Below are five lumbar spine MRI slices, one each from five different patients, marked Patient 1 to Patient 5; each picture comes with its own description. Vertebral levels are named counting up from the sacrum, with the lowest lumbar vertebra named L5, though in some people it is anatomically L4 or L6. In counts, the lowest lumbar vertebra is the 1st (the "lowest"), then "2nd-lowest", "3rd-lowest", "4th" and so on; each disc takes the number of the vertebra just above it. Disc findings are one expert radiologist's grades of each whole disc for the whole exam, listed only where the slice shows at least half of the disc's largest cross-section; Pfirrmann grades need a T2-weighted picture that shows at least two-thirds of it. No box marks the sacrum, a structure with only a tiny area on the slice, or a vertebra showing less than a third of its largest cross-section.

Patient 1 of 5:
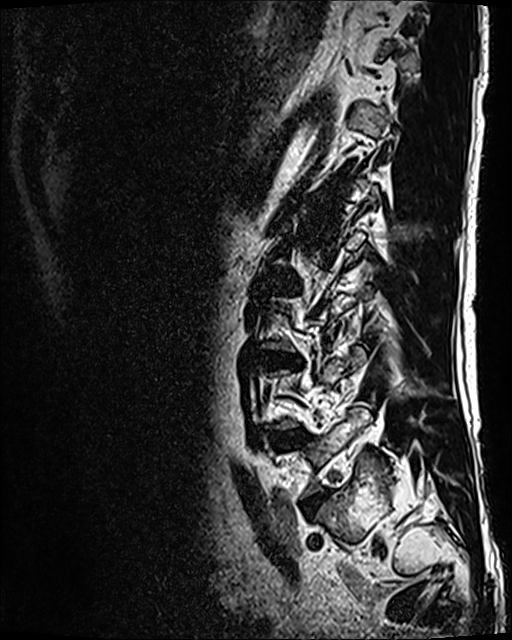

Field of view 240x300 mm, slice spacing 0.9 mm. Lumbar spine MR, T2 SPACE (3D), sagittal. Patient sex: M.
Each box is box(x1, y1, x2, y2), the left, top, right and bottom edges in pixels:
Disc L4/L5 (2nd-lowest disc) at box(271, 430, 306, 447); L2/L3 (4th disc) at box(278, 275, 294, 287); disc L3/L4 (3rd-lowest disc) at box(261, 352, 300, 365); L5/S1 (lowest disc) at box(304, 491, 329, 512).

Patient 2 of 5:
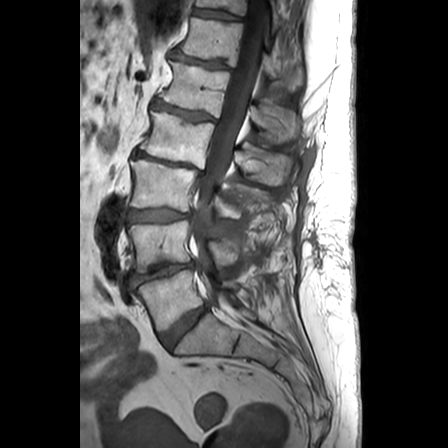 Lumbar spine MR, T1-weighted, sagittal. Sagittal slice index 13.
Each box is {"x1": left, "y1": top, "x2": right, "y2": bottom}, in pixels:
- L1/L2 (5th disc) at {"x1": 154, "y1": 102, "x2": 212, "y2": 120}
- T11 (7th vertebra) at {"x1": 196, "y1": 0, "x2": 286, "y2": 33}
- L5 (lowest vertebra) at {"x1": 137, "y1": 270, "x2": 237, "y2": 331}
- T11/T12 (7th disc) at {"x1": 193, "y1": 9, "x2": 239, "y2": 21}
- L4 (2nd-lowest vertebra) at {"x1": 128, "y1": 221, "x2": 238, "y2": 272}
- L1 (5th vertebra) at {"x1": 161, "y1": 61, "x2": 299, "y2": 142}
- L3/L4 (3rd-lowest disc) at {"x1": 128, "y1": 209, "x2": 189, "y2": 223}
- L2/L3 (4th disc) at {"x1": 133, "y1": 150, "x2": 203, "y2": 175}
- T12 (6th vertebra) at {"x1": 178, "y1": 17, "x2": 303, "y2": 91}
- thecal sac / spinal canal at {"x1": 193, "y1": 0, "x2": 264, "y2": 300}
- disc T12/L1 (6th disc) at {"x1": 171, "y1": 54, "x2": 229, "y2": 69}
- disc L5/S1 (lowest disc) at {"x1": 160, "y1": 306, "x2": 207, "y2": 348}
- disc L4/L5 (2nd-lowest disc) at {"x1": 132, "y1": 263, "x2": 193, "y2": 285}
- L2 (4th vertebra) at {"x1": 140, "y1": 111, "x2": 291, "y2": 185}
- L3 (3rd-lowest vertebra) at {"x1": 131, "y1": 160, "x2": 240, "y2": 218}

Degenerative findings by level:
• L4/L5 (2nd-lowest disc): disc bulging, disc narrowing
• L3/L4 (3rd-lowest disc): disc bulging
• T12/L1 (6th disc): disc narrowing
• L5/S1 (lowest disc): disc bulging
• L1/L2 (5th disc): Modic type II, disc narrowing
• T11/T12 (7th disc): no herniation, bulging, narrowing, spondylolisthesis, endplate or Modic change recorded

Patient 3 of 5:
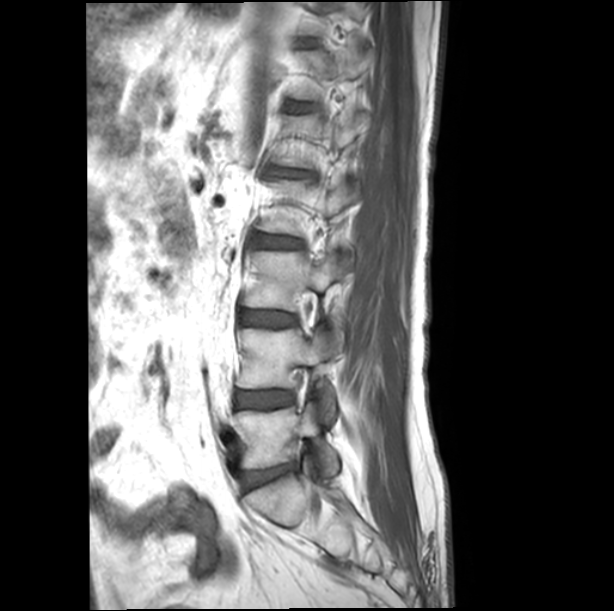 Lumbar spine MR, T1-weighted, sagittal, Slice spacing 4.4 mm, Sex M, Image 614x611

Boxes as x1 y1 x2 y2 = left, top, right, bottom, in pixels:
IVD L2/L3 (4th disc) — 252 236 300 248.
L1 (5th vertebra) — 274 113 370 168.
IVD T12/L1 (6th disc) — 290 104 312 111.
L4/L5 (2nd-lowest disc) — 235 391 293 408.
L5 (lowest vertebra) — 235 402 338 473.
L3/L4 (3rd-lowest disc) — 240 310 297 327.
L2 (4th vertebra) — 257 179 359 236.
L3 (3rd-lowest vertebra) — 243 251 349 328.
T12 (6th vertebra) — 290 44 372 100.
L5/S1 (lowest disc) — 244 466 292 486.
L1/L2 (5th disc) — 275 169 309 176.
L4 (2nd-lowest vertebra) — 237 328 335 417.

Radiological gradings:
- L3/L4 (3rd-lowest disc), L4/L5 (2nd-lowest disc), L2/L3 (4th disc): no Modic or endplate change, herniation, narrowing, bulging or spondylolisthesis recorded

Patient 4 of 5:
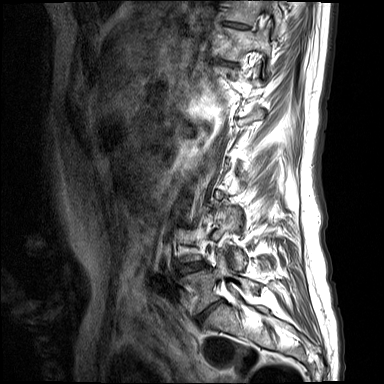

Slice 3/17, 384x384 px, T1-weighted sagittal MRI of the lumbar spine, Sex F
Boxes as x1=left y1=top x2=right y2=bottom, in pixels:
Annotations:
• intervertebral disc L4/L5: x1=180 y1=262 x2=205 y2=272
• T10: x1=226 y1=0 x2=282 y2=25
• L5: x1=184 y1=253 x2=258 y2=311
• intervertebral disc L5/S1: x1=198 y1=300 x2=222 y2=322
• T11: x1=224 y1=28 x2=271 y2=60
• T10/T11: x1=224 y1=22 x2=247 y2=28

Expert MSK radiologist gradings (per disc):
- L4/L5: lower-endplate change, upper-endplate change, disc bulging, disc narrowing
- L5/S1: upper-endplate change, disc bulging, disc narrowing, lower-endplate change
- T10/T11: no Modic or endplate change, herniation, narrowing, bulging or spondylolisthesis recorded

Patient 5 of 5:
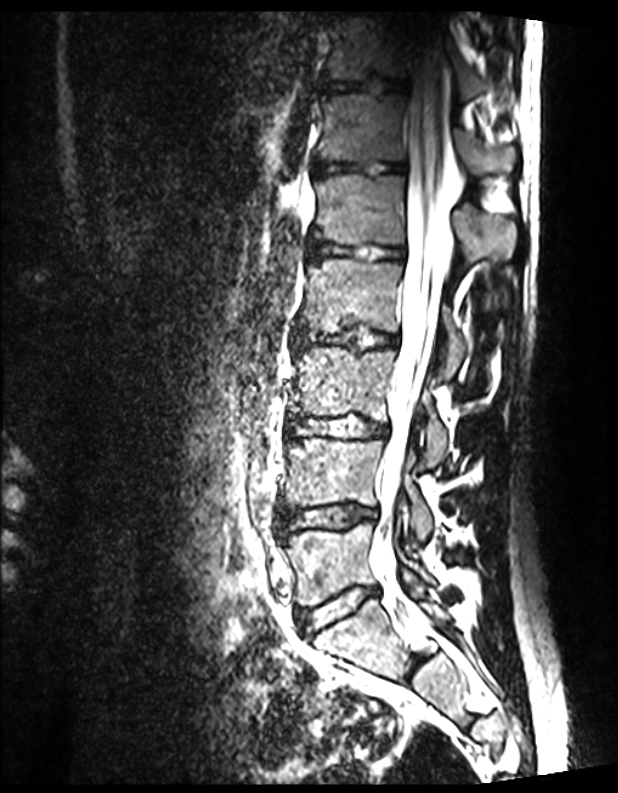 618x793 px. MRI lumbar spine (T2 SPACE (3D)), sagittal plane. Slice spacing 0.9 mm.

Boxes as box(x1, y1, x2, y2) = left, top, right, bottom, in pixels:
Segmented structures:
* disc L5/S1 — box(301, 586, 378, 633)
* disc L4/L5 — box(279, 503, 376, 531)
* spinal canal — box(372, 28, 450, 567)
* L4 — box(284, 438, 432, 539)
* L2 — box(300, 259, 467, 379)
* disc L2/L3 — box(293, 328, 398, 349)
* disc L1/L2 — box(307, 239, 404, 260)
* T12 vertebra — box(318, 93, 515, 175)
* L3 — box(292, 347, 447, 467)
* L5 — box(284, 523, 433, 606)
* L1 — box(313, 173, 518, 263)
* T11 — box(326, 14, 485, 98)
* disc T12/L1 — box(313, 160, 405, 175)
* disc T11/T12 — box(321, 79, 404, 91)
* disc L3/L4 — box(290, 417, 388, 439)

Expert MSK radiologist gradings (per disc):
- L1/L2: Pfirrmann grade 1
- T12/L1: Pfirrmann grade 1
- L3/L4: Pfirrmann grade 1
- L4/L5: Pfirrmann grade 1
- L2/L3: Pfirrmann grade 1
- T11/T12: Pfirrmann grade 1
- L5/S1: Pfirrmann grade 1